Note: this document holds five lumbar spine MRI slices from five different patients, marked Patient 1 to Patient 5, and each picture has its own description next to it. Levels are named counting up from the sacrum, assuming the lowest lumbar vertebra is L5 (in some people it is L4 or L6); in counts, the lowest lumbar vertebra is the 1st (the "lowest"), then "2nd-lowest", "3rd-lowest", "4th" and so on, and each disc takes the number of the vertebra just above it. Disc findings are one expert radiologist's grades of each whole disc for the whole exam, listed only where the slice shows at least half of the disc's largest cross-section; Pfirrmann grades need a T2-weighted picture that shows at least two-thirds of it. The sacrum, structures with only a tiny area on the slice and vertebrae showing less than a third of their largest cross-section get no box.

Patient 1 of 5:
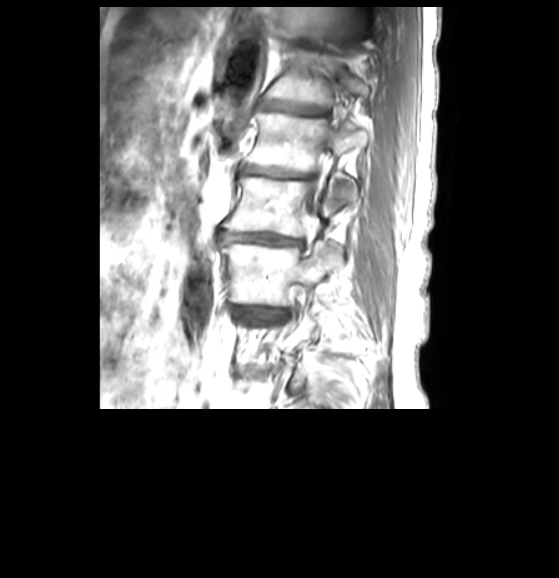
T1-weighted sagittal MRI of the lumbar spine

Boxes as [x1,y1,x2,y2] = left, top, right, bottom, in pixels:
L3 vertebra: [222,241,341,304].
L1 vertebra: [245,111,369,204].
IVD T11/T12: [296,37,312,45].
T12 vertebra: [266,49,369,107].
L3/L4: [235,306,285,318].
IVD L1/L2: [240,164,307,178].
T12/L1: [258,102,322,114].
IVD L2/L3: [220,230,305,246].
L2: [222,176,356,236].
Spinal canal: [300,149,326,234].

Expert MSK radiologist gradings (per disc):
- L3/L4: disc bulging, disc narrowing
- T12/L1: lower-endplate change, disc narrowing
- L1/L2: disc narrowing
- L2/L3: disc bulging, disc narrowing

Patient 2 of 5:
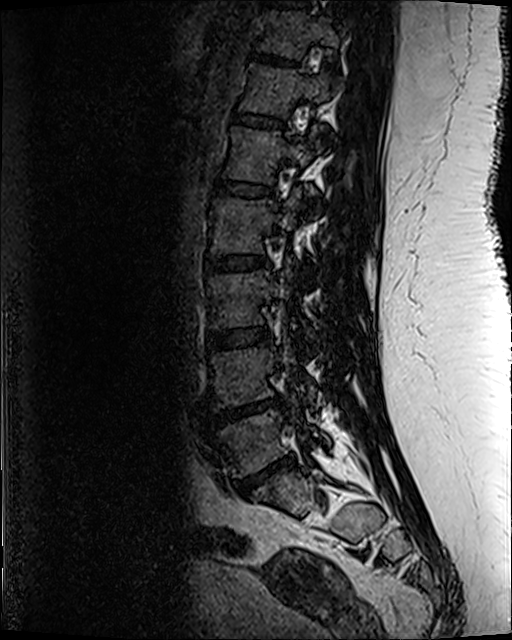
Slice 45 of 120; Lumbar spine MR, T2 SPACE (3D), sagittal; Field of view 240x300 mm
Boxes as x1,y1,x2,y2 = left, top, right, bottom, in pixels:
L1 vertebra: 222,127,329,184.
L3: 210,259,313,338.
T11 vertebra: 260,11,338,57.
T10/T11: 268,0,308,9.
L4: 212,338,317,409.
L5 vertebra: 212,408,330,475.
L4/L5: 218,400,279,423.
T11/T12: 252,54,294,65.
L2: 211,189,303,252.
L1/L2: 214,182,270,196.
Intervertebral disc T12/L1: 233,112,283,127.
Intervertebral disc L5/S1: 237,459,291,493.
Intervertebral disc L3/L4: 208,328,269,350.
T12: 242,64,339,116.
L2/L3: 207,256,267,272.

Per-level radiological findings:
• L3/L4: Pfirrmann grade 3
• L1/L2: Pfirrmann grade 3, lower-endplate change
• T12/L1: Pfirrmann grade 3
• L2/L3: Pfirrmann grade 3, upper-endplate change, lower-endplate change
• L5/S1: Pfirrmann grade 5, Modic type II, upper-endplate change, disc herniation, lower-endplate change, disc narrowing

Patient 3 of 5:
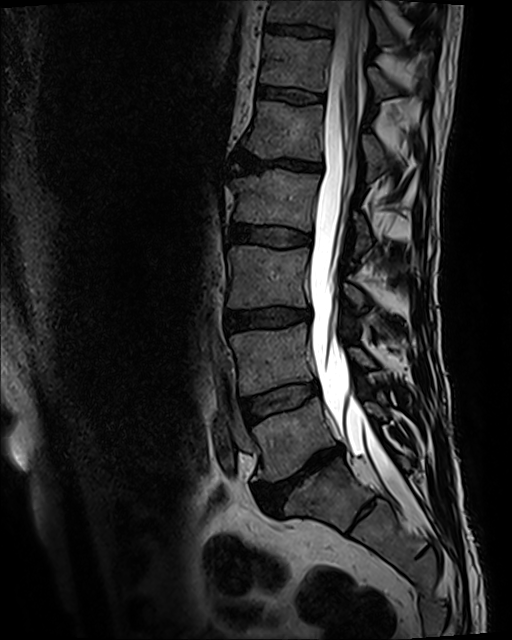 Patient sex: M; MRI lumbar spine (T2 SPACE (3D)), sagittal plane; Slice spacing 0.9 mm
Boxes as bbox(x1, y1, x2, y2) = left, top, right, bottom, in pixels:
Annotations:
* 4th vertebra — bbox(231, 169, 370, 250)
* lowest vertebra — bbox(253, 397, 385, 481)
* 4th disc — bbox(230, 223, 312, 247)
* 3rd-lowest vertebra — bbox(227, 246, 364, 310)
* 3rd-lowest disc — bbox(226, 308, 310, 329)
* lowest disc — bbox(256, 444, 343, 510)
* 6th vertebra — bbox(260, 34, 428, 97)
* 6th disc — bbox(257, 83, 322, 102)
* 7th disc — bbox(266, 25, 330, 35)
* 7th vertebra — bbox(267, 0, 393, 43)
* 5th disc — bbox(237, 150, 321, 172)
* 2nd-lowest vertebra — bbox(229, 322, 373, 394)
* 5th vertebra — bbox(243, 101, 391, 180)
* spinal canal — bbox(309, 0, 397, 477)
* 2nd-lowest disc — bbox(241, 382, 318, 421)

Expert MSK radiologist gradings (per disc):
  6th disc: Pfirrmann grade 3
  2nd-lowest disc: Pfirrmann grade 3, Modic type II
  lowest disc: Pfirrmann grade 5, Modic type II, disc bulging, lower-endplate change, upper-endplate change, disc narrowing
  3rd-lowest disc: Pfirrmann grade 3, lower-endplate change, disc bulging, upper-endplate change
  5th disc: Pfirrmann grade 5, upper-endplate change, disc bulging, lower-endplate change, Modic type II, disc narrowing
  4th disc: Pfirrmann grade 3
  7th disc: Pfirrmann grade 3, upper-endplate change, lower-endplate change

Patient 4 of 5:
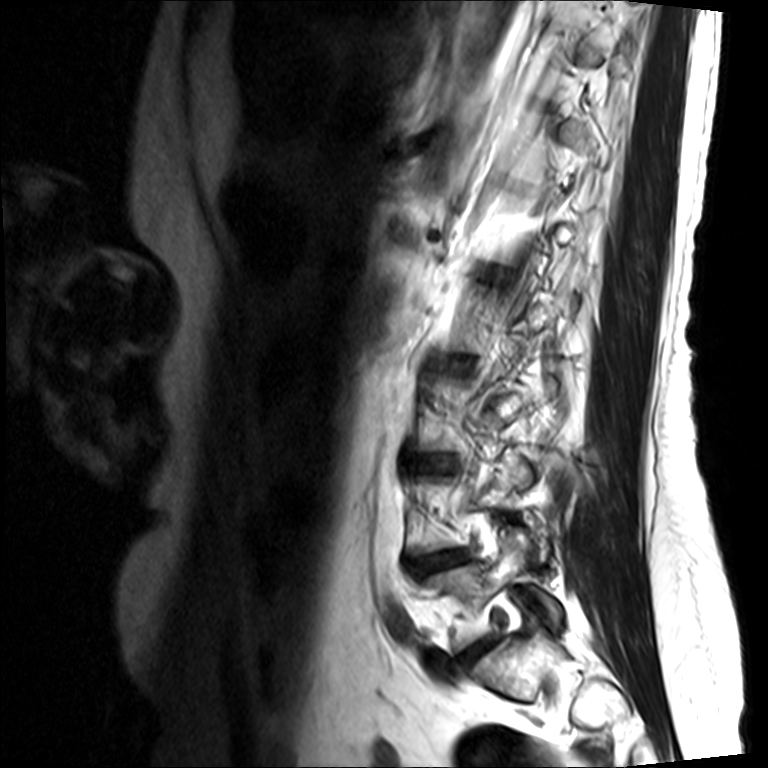 Sex F. Slice 12/15. MRI lumbar spine (T2-weighted), sagittal plane.

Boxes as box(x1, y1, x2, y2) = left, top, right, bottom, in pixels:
Disc L3/L4 at box(417, 457, 454, 469).
L5 vertebra at box(425, 526, 562, 650).
L4/L5 at box(412, 551, 472, 576).
Disc L5/S1 at box(459, 637, 498, 669).

Patient 5 of 5:
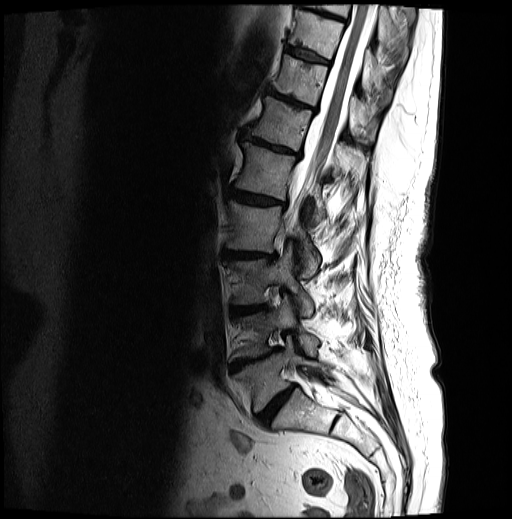 Sex F. 512x519 px. Lumbar spine MR, T2-weighted, sagittal.
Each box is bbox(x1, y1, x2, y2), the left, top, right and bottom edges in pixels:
{"T12/L1 (6th disc)": "bbox(242, 128, 299, 156)", "L4 (2nd-lowest vertebra)": "bbox(234, 296, 318, 358)", "intervertebral disc L1/L2 (5th disc)": "bbox(230, 190, 284, 206)", "T9 (9th vertebra)": "bbox(307, 3, 407, 59)", "intervertebral disc T11/T12 (7th disc)": "bbox(266, 87, 315, 110)", "T10/T11 (8th disc)": "bbox(285, 45, 329, 63)", "L2/L3 (4th disc)": "bbox(224, 251, 276, 260)", "L5 (lowest vertebra)": "bbox(234, 337, 329, 412)", "L3 (3rd-lowest vertebra)": "bbox(230, 244, 313, 315)", "T12 (6th vertebra)": "bbox(250, 96, 360, 175)", "L5/S1 (lowest disc)": "bbox(257, 385, 295, 425)", "L2 (4th vertebra)": "bbox(227, 200, 319, 277)", "T10 (8th vertebra)": "bbox(289, 9, 382, 91)", "intervertebral disc L4/L5 (2nd-lowest disc)": "bbox(234, 348, 280, 368)", "T11 (7th vertebra)": "bbox(273, 54, 374, 139)", "spinal canal": "bbox(285, 4, 375, 231)", "L1 (5th vertebra)": "bbox(236, 143, 325, 224)", "L3/L4 (3rd-lowest disc)": "bbox(232, 305, 266, 314)", "T9/T10 (9th disc)": "bbox(296, 3, 345, 22)"}

Degenerative findings by level:
- T12/L1 (6th disc): Pfirrmann grade 4, disc narrowing, disc bulging, Modic type II, lower-endplate change, upper-endplate change
- L1/L2 (5th disc): Pfirrmann grade 4, disc narrowing, upper-endplate change, Modic type II, disc bulging, lower-endplate change
- T9/T10 (9th disc): Pfirrmann grade 4, Modic type II, upper-endplate change, lower-endplate change, disc bulging
- T11/T12 (7th disc): Pfirrmann grade 5, disc narrowing, upper-endplate change, Modic type II, lower-endplate change, disc bulging
- L5/S1 (lowest disc): Pfirrmann grade 4, disc bulging, disc narrowing
- L2/L3 (4th disc): Pfirrmann grade 4, upper-endplate change, disc narrowing, disc bulging, lower-endplate change, Modic type II
- T10/T11 (8th disc): Pfirrmann grade 4, Modic type II, lower-endplate change, upper-endplate change